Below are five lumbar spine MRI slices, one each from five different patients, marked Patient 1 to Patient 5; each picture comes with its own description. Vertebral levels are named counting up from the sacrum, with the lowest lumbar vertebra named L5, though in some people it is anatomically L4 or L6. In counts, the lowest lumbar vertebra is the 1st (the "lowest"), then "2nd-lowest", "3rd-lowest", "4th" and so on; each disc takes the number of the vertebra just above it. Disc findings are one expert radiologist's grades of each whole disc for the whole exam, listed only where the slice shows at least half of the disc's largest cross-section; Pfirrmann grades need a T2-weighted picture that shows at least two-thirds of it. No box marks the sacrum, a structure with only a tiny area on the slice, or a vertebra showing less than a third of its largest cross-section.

Patient 1 of 5:
MRI lumbar spine (T2 SPACE (3D)), sagittal plane. Sagittal slice index 40.
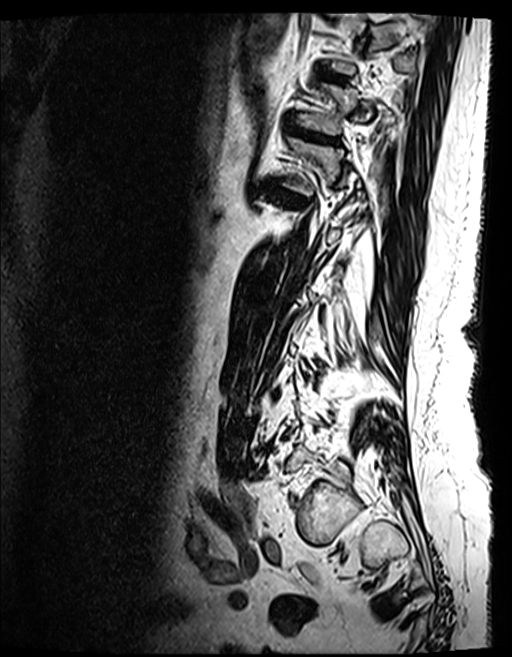
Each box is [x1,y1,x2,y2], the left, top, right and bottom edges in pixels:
- 7th vertebra: [297,84,395,135]
- 8th disc: [321,70,343,81]
- 7th disc: [291,127,333,142]

Degenerative findings by level:
- 7th disc: Pfirrmann grade 5, upper-endplate change, disc bulging, disc narrowing, lower-endplate change, Modic type II

Patient 2 of 5:
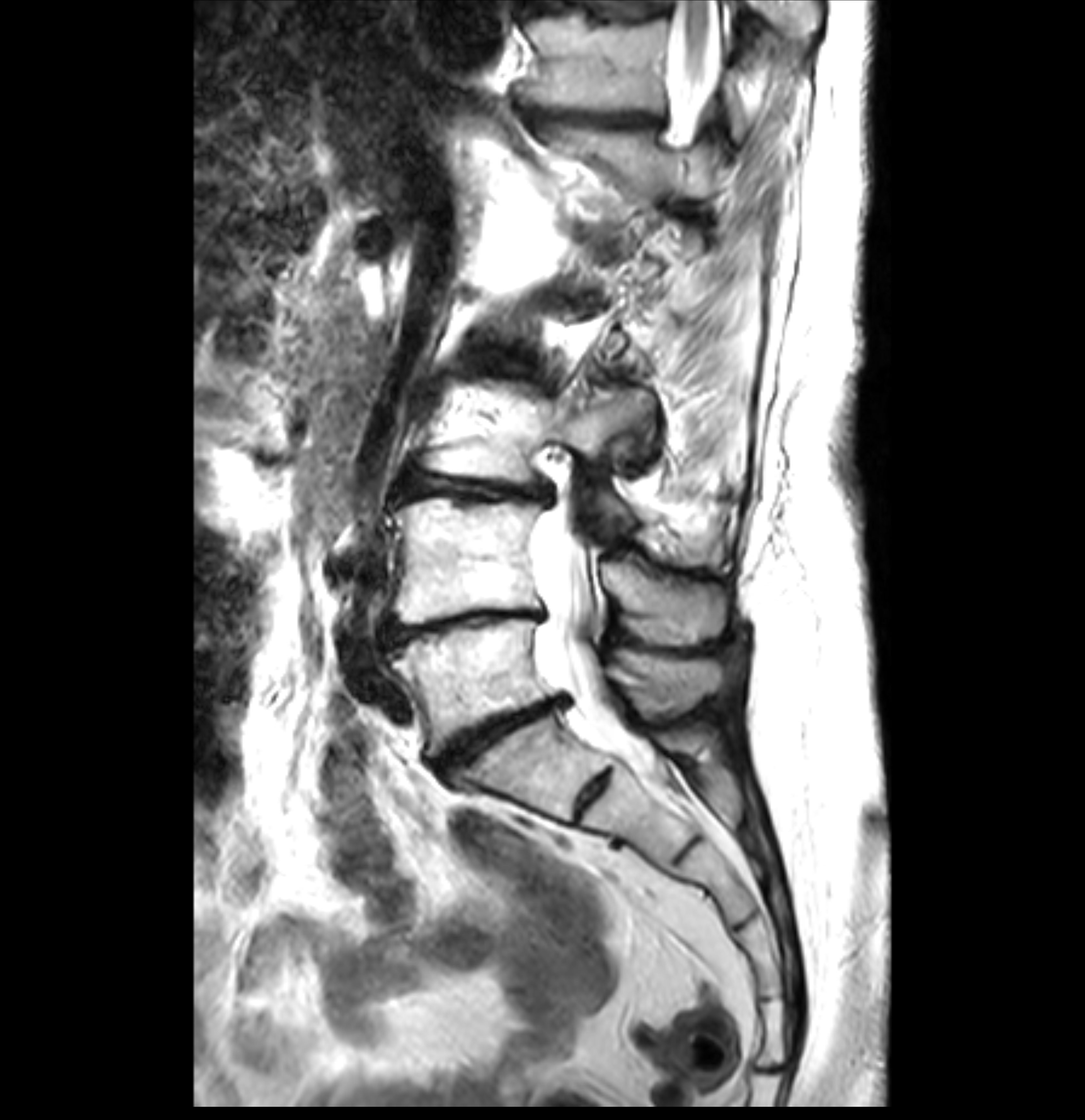

Sagittal T2-weighted lumbar spine MRI. Patient sex: F.

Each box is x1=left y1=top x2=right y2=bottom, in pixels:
• intervertebral disc L5/S1 — x1=436 y1=696 x2=571 y2=774
• L5 vertebra — x1=390 y1=618 x2=719 y2=758
• thecal sac / spinal canal — x1=535 y1=34 x2=719 y2=781
• L4 — x1=390 y1=497 x2=721 y2=644
• intervertebral disc L3/L4 — x1=400 y1=469 x2=552 y2=503
• T11 vertebra — x1=516 y1=11 x2=748 y2=134
• L3 — x1=426 y1=390 x2=699 y2=562
• intervertebral disc T11/T12 — x1=523 y1=107 x2=666 y2=128
• intervertebral disc L4/L5 — x1=385 y1=611 x2=545 y2=646

Degenerative findings by level:
  L5/S1: Pfirrmann grade 5, Modic type II, disc herniation, disc narrowing, disc bulging, upper-endplate change, lower-endplate change
  L3/L4: Pfirrmann grade 5, Modic type II, disc bulging, disc narrowing, lower-endplate change, upper-endplate change
  T11/T12: disc narrowing, lower-endplate change, disc bulging, Modic type II, upper-endplate change

Patient 3 of 5:
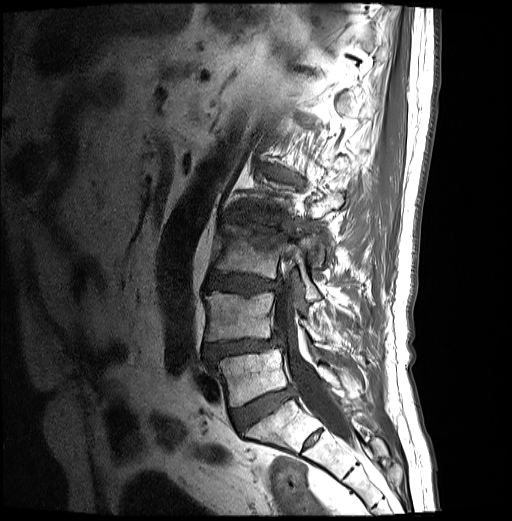 MRI lumbar spine (T1-weighted), sagittal plane.
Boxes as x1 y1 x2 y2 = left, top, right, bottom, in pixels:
Segmented structures:
* intervertebral disc L2/L3 (4th disc): 224 216 291 237
* L5/S1 (lowest disc): 231 388 291 429
* L4 (2nd-lowest vertebra): 205 291 330 344
* L5 (lowest vertebra): 217 348 361 406
* L3 (3rd-lowest vertebra): 212 223 320 301
* L4/L5 (2nd-lowest disc): 205 336 281 362
* intervertebral disc L3/L4 (3rd-lowest disc): 206 275 278 294
* spinal canal: 273 257 348 438
* L1/L2 (5th disc): 262 166 301 185
* L2 (4th vertebra): 238 177 343 266

Radiological gradings:
- L4/L5 (2nd-lowest disc): disc herniation, disc bulging, upper-endplate change, Modic type II, spondylolisthesis, disc narrowing, lower-endplate change
- L3/L4 (3rd-lowest disc): upper-endplate change, lower-endplate change, disc bulging
- L5/S1 (lowest disc): no spondylolisthesis, narrowing, bulging, herniation, Modic or endplate change recorded

Patient 4 of 5:
Sagittal T1-weighted lumbar spine MRI; Sagittal slice index 9

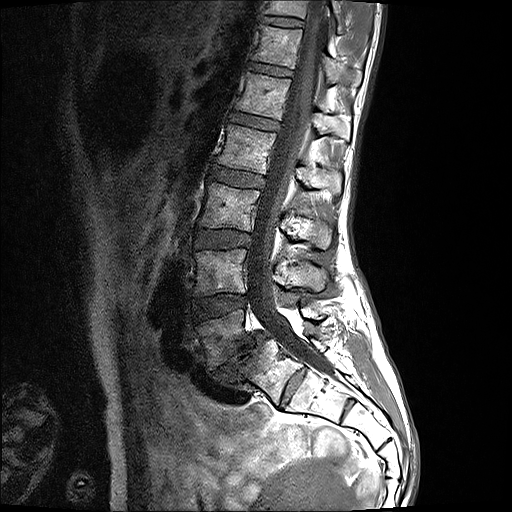

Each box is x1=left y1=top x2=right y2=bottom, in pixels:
{"T11/T12 (7th disc)": "x1=263 y1=16 x2=303 y2=26", "T11 (7th vertebra)": "x1=264 y1=0 x2=342 y2=30", "L5 (lowest vertebra)": "x1=196 y1=298 x2=336 y2=389", "L1/L2 (5th disc)": "x1=230 y1=113 x2=279 y2=130", "spinal canal": "x1=247 y1=0 x2=333 y2=376", "L1 (5th vertebra)": "x1=236 y1=72 x2=350 y2=140", "intervertebral disc L2/L3 (4th disc)": "x1=211 y1=166 x2=264 y2=187", "T12/L1 (6th disc)": "x1=249 y1=62 x2=292 y2=76", "T12 (6th vertebra)": "x1=252 y1=25 x2=362 y2=85", "L2 (4th vertebra)": "x1=217 y1=124 x2=341 y2=193", "L3 (3rd-lowest vertebra)": "x1=199 y1=182 x2=332 y2=248", "L3/L4 (3rd-lowest disc)": "x1=194 y1=229 x2=250 y2=247", "L5/S1 (lowest disc)": "x1=211 y1=332 x2=268 y2=381", "intervertebral disc L4/L5 (2nd-lowest disc)": "x1=193 y1=294 x2=247 y2=320", "L4 (2nd-lowest vertebra)": "x1=195 y1=249 x2=323 y2=296"}

Degenerative findings by level:
- L5/S1 (lowest disc): Modic type II, disc narrowing, spondylolisthesis, disc bulging
- L3/L4 (3rd-lowest disc), L2/L3 (4th disc), L1/L2 (5th disc), T12/L1 (6th disc), L4/L5 (2nd-lowest disc), T11/T12 (7th disc): no Modic or endplate change, herniation, narrowing, bulging or spondylolisthesis recorded

Patient 5 of 5:
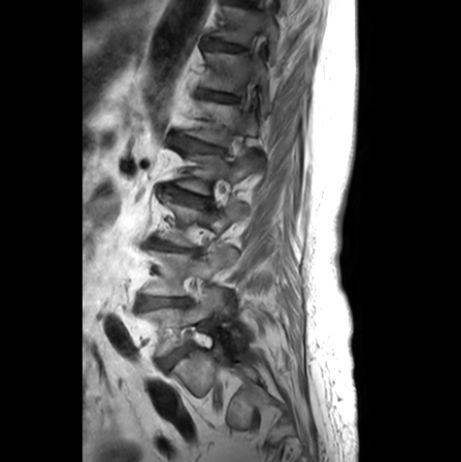
T1-weighted sagittal MRI of the lumbar spine | Patient sex: F
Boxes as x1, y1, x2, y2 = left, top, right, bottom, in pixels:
Segmented structures:
• L1 — 185, 100, 259, 145
• IVD L3/L4 — 149, 239, 199, 254
• L2 vertebra — 174, 148, 259, 194
• L3 vertebra — 157, 194, 244, 246
• T11/T12 — 204, 40, 247, 50
• L2/L3 — 161, 185, 211, 204
• L4/L5 — 138, 296, 190, 309
• T11 vertebra — 212, 5, 279, 57
• T12 — 202, 51, 270, 115
• L1/L2 — 173, 133, 224, 152
• L5 — 140, 287, 242, 356
• L4 vertebra — 143, 246, 238, 295
• IVD L5/S1 — 158, 346, 190, 369
• T12/L1 — 199, 90, 239, 101

Degenerative findings by level:
- L1/L2: upper-endplate change, disc narrowing, lower-endplate change, disc bulging
- L4/L5: disc narrowing, Modic type II
- T12/L1: upper-endplate change
- L3/L4: disc narrowing, upper-endplate change, lower-endplate change, Modic type II
- L2/L3: lower-endplate change, upper-endplate change, disc narrowing
- T11/T12: no Modic or endplate change, herniation, narrowing, bulging or spondylolisthesis recorded